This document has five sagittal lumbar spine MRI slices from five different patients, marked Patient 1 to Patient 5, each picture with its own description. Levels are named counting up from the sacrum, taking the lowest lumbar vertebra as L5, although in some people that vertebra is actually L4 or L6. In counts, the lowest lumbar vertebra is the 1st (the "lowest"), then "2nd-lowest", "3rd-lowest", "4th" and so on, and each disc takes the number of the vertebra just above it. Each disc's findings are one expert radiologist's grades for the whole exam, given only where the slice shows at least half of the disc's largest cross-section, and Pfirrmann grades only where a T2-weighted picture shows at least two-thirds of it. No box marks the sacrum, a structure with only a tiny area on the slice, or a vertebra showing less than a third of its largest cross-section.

Patient 1 of 5:
Slice spacing 3.3 mm; MRI lumbar spine (T1-weighted), sagittal plane; Slice 20 of 24; Sex F

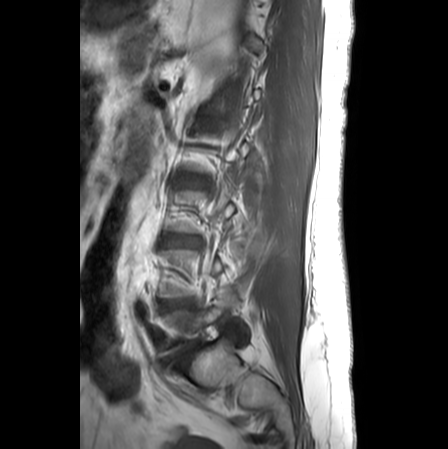

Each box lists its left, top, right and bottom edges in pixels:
L2/L3 (4th disc) at left=180, top=174, right=208, bottom=189; L5 (lowest vertebra) at left=159, top=297, right=249, bottom=357; L3/L4 (3rd-lowest disc) at left=163, top=237, right=197, bottom=244; L4/L5 (2nd-lowest disc) at left=165, top=301, right=189, bottom=307; L5/S1 (lowest disc) at left=164, top=345, right=195, bottom=363.

Patient 2 of 5:
Lumbar spine MR, T2-weighted, sagittal, Scanner: Philips Healthcare Ingenia (3T), Sex F 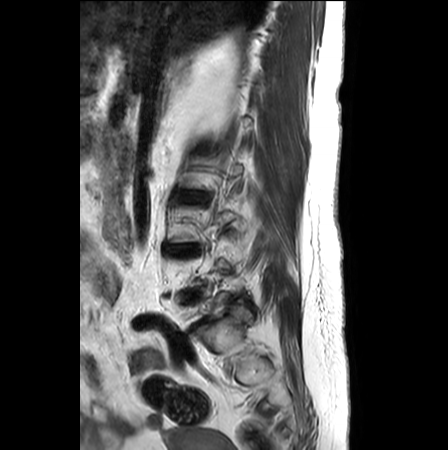

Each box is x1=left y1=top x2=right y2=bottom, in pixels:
L2/L3: x1=186 y1=193 x2=204 y2=200
L3/L4: x1=172 y1=245 x2=194 y2=252

Patient 3 of 5:
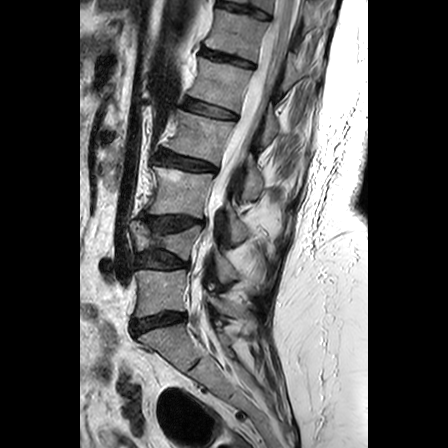

T2-weighted sagittal MRI of the lumbar spine | Image 448x448

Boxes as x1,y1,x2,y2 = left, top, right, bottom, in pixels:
T11: 231,0,323,30.
T11/T12: 219,1,269,18.
Spinal canal: 191,0,298,313.
L1: 189,57,278,144.
IVD L5/S1: 132,313,185,334.
L2: 166,110,264,200.
L3/L4: 141,215,202,229.
L4: 131,221,257,283.
L1/L2: 183,98,235,118.
IVD L2/L3: 154,150,215,171.
L4/L5: 135,251,187,268.
IVD T12/L1: 202,48,253,67.
L3: 146,165,250,243.
L5: 135,269,237,317.
T12: 206,9,298,89.

Radiological gradings:
- L2/L3: Pfirrmann grade 3, lower-endplate change, upper-endplate change
- T11/T12: Pfirrmann grade 3, lower-endplate change
- L4/L5: Pfirrmann grade 3, disc bulging, lower-endplate change
- L5/S1: Pfirrmann grade 3, disc bulging
- L3/L4: Pfirrmann grade 3, disc bulging, upper-endplate change, lower-endplate change
- L1/L2: Pfirrmann grade 2, upper-endplate change
- T12/L1: Pfirrmann grade 3, lower-endplate change, upper-endplate change

Patient 4 of 5:
T1-weighted sagittal MRI of the lumbar spine; Patient sex: F
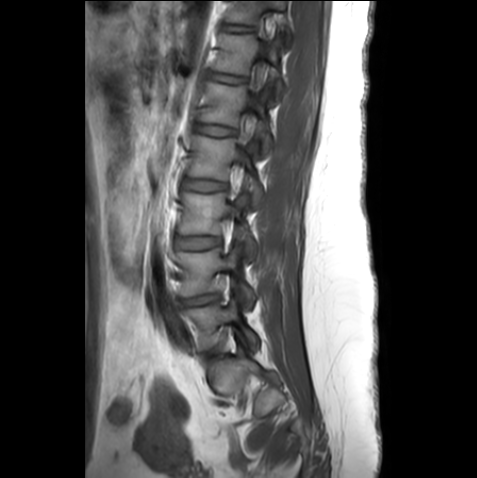

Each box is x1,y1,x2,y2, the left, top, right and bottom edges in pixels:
spinal canal: 252,74,262,94
5th disc: 195,124,235,135
2nd-lowest disc: 179,294,218,307
2nd-lowest vertebra: 177,247,255,307
7th vertebra: 225,0,288,45
6th disc: 207,72,245,83
6th vertebra: 212,33,282,97
3rd-lowest disc: 176,236,220,249
4th disc: 183,178,226,191
lowest vertebra: 185,299,259,351
3rd-lowest vertebra: 179,192,255,256
7th disc: 221,23,253,31
5th vertebra: 200,82,271,155
4th vertebra: 187,135,263,207

Expert MSK radiologist gradings (per disc):
  2nd-lowest disc: disc narrowing, disc bulging
  3rd-lowest disc, 6th disc, 7th disc, 4th disc, 5th disc: no herniation, bulging, narrowing, spondylolisthesis, endplate or Modic change recorded

Patient 5 of 5:
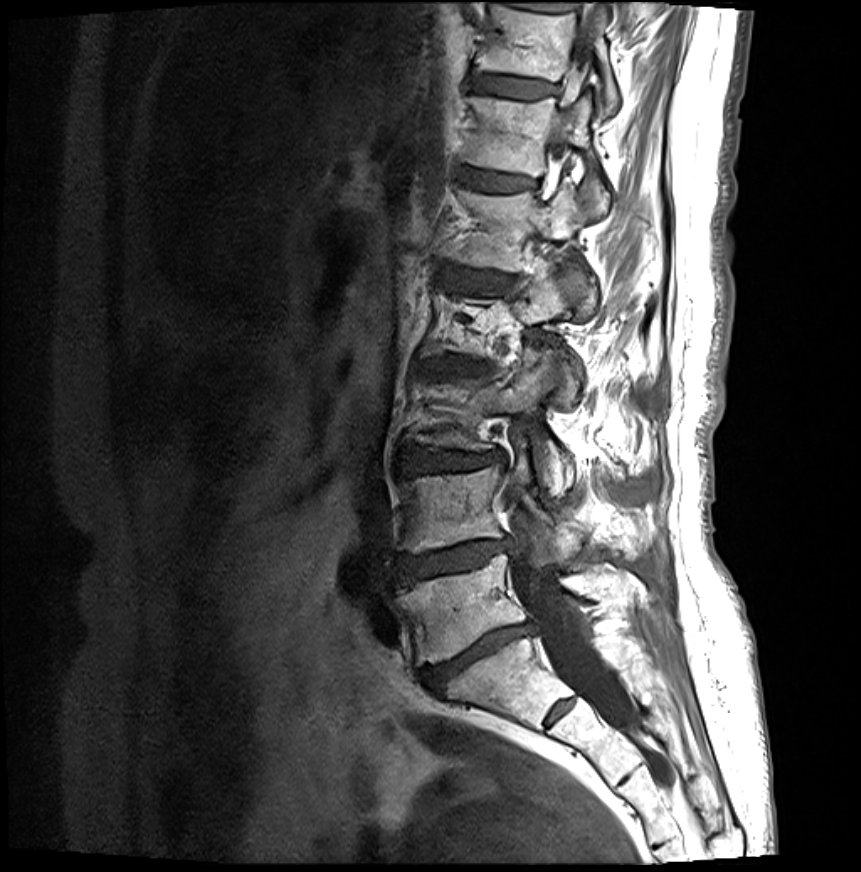
Slice 10/27. MRI lumbar spine (T1-weighted), sagittal plane.

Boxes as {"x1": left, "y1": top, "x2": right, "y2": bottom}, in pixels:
Segmented structures:
• L5 vertebra: {"x1": 398, "y1": 554, "x2": 633, "y2": 665}
• IVD T11/T12: {"x1": 472, "y1": 75, "x2": 554, "y2": 100}
• T12: {"x1": 464, "y1": 95, "x2": 609, "y2": 217}
• L4/L5: {"x1": 397, "y1": 540, "x2": 510, "y2": 584}
• L1 vertebra: {"x1": 457, "y1": 181, "x2": 596, "y2": 315}
• L3: {"x1": 407, "y1": 348, "x2": 572, "y2": 496}
• T11: {"x1": 476, "y1": 6, "x2": 618, "y2": 119}
• IVD L1/L2: {"x1": 454, "y1": 271, "x2": 510, "y2": 289}
• L4: {"x1": 400, "y1": 443, "x2": 631, "y2": 559}
• spinal canal: {"x1": 511, "y1": 19, "x2": 635, "y2": 732}
• IVD L3/L4: {"x1": 397, "y1": 448, "x2": 502, "y2": 475}
• L5/S1: {"x1": 422, "y1": 626, "x2": 529, "y2": 692}
• T12/L1: {"x1": 461, "y1": 169, "x2": 535, "y2": 193}

Expert MSK radiologist gradings (per disc):
• L3/L4: upper-endplate change, disc narrowing, disc bulging, Modic type II, lower-endplate change
• T11/T12: lower-endplate change, upper-endplate change, Modic type II
• T12/L1: upper-endplate change, Modic type II, lower-endplate change
• L4/L5: disc herniation, disc narrowing, lower-endplate change, disc bulging, Modic type II, upper-endplate change
• L5/S1: disc bulging, upper-endplate change, disc narrowing, Modic type II, lower-endplate change